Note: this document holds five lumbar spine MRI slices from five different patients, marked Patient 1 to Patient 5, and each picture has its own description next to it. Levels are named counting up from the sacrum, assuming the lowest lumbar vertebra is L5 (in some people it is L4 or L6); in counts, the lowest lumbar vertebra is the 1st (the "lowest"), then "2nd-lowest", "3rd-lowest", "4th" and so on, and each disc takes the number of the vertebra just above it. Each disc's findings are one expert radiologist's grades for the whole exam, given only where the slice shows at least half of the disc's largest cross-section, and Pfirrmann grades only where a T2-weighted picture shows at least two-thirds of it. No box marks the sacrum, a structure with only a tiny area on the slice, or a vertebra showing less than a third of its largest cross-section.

Patient 1 of 5:
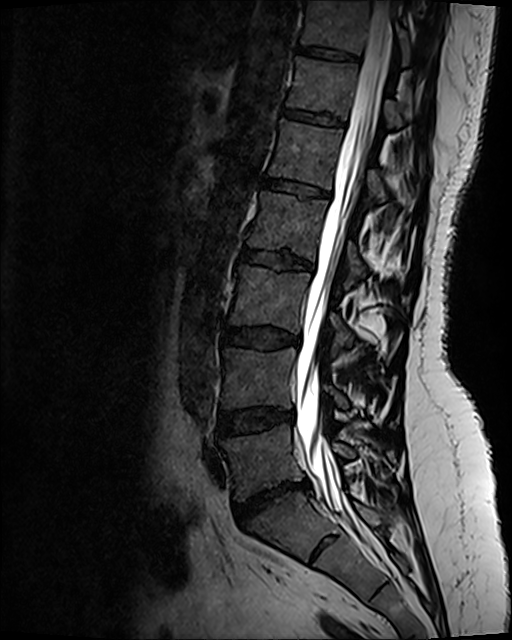
T2 SPACE (3D) sagittal MRI of the lumbar spine

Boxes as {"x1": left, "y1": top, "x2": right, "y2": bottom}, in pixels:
thecal sac / spinal canal: {"x1": 296, "y1": 1, "x2": 393, "y2": 547}
2nd-lowest vertebra: {"x1": 223, "y1": 349, "x2": 347, "y2": 408}
4th vertebra: {"x1": 246, "y1": 193, "x2": 365, "y2": 288}
3rd-lowest disc: {"x1": 223, "y1": 329, "x2": 299, "y2": 349}
2nd-lowest disc: {"x1": 218, "y1": 410, "x2": 292, "y2": 437}
7th disc: {"x1": 300, "y1": 49, "x2": 357, "y2": 62}
3rd-lowest vertebra: {"x1": 229, "y1": 266, "x2": 353, "y2": 351}
7th vertebra: {"x1": 302, "y1": 1, "x2": 410, "y2": 65}
5th disc: {"x1": 263, "y1": 179, "x2": 327, "y2": 197}
lowest disc: {"x1": 235, "y1": 484, "x2": 309, "y2": 526}
lowest vertebra: {"x1": 223, "y1": 425, "x2": 380, "y2": 500}
4th disc: {"x1": 240, "y1": 250, "x2": 314, "y2": 270}
6th vertebra: {"x1": 287, "y1": 58, "x2": 403, "y2": 126}
6th disc: {"x1": 283, "y1": 111, "x2": 344, "y2": 128}
5th vertebra: {"x1": 269, "y1": 120, "x2": 419, "y2": 205}

Degenerative findings by level:
• lowest disc: Pfirrmann grade 1, disc bulging, disc herniation, disc narrowing
• 6th disc: Pfirrmann grade 2, upper-endplate change, lower-endplate change
• 7th disc: Pfirrmann grade 2
• 2nd-lowest disc: Pfirrmann grade 2, disc bulging
• 3rd-lowest disc: Pfirrmann grade 2, disc bulging
• 4th disc: Pfirrmann grade 4, disc bulging, lower-endplate change, upper-endplate change
• 5th disc: Pfirrmann grade 2, lower-endplate change, upper-endplate change

Patient 2 of 5:
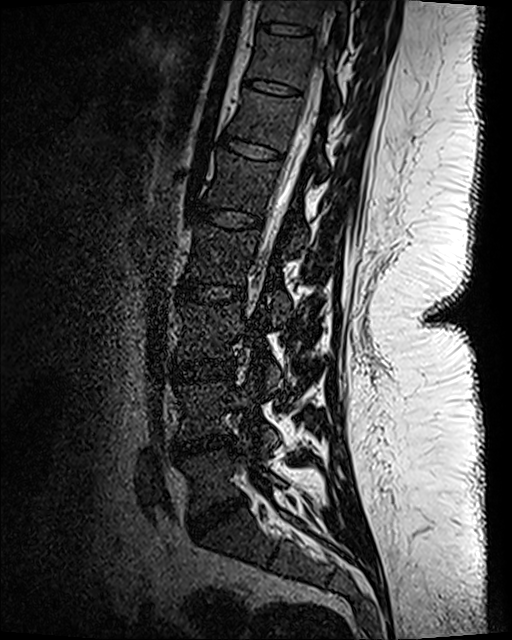

Slice 69 of 120; Patient sex: F; Lumbar spine MR, T2 SPACE (3D), sagittal; Image 512x640
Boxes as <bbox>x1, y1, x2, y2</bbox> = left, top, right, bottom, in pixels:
L1/L2: <bbox>189, 205, 261, 229</bbox> | T10/T11: <bbox>263, 23, 310, 36</bbox> | L5: <bbox>182, 439, 283, 512</bbox> | T11: <bbox>248, 33, 339, 106</bbox> | L4/L5: <bbox>178, 435, 233, 457</bbox> | IVD T11/T12: <bbox>243, 79, 302, 96</bbox> | L3: <bbox>178, 304, 280, 388</bbox> | L4 vertebra: <bbox>179, 375, 277, 455</bbox> | T12/L1: <bbox>218, 130, 284, 159</bbox> | IVD L3/L4: <bbox>173, 359, 233, 381</bbox> | T10: <bbox>261, 0, 348, 39</bbox> | T12: <bbox>229, 89, 328, 175</bbox> | L1: <bbox>205, 152, 308, 252</bbox> | L5/S1: <bbox>188, 497, 246, 536</bbox> | L2 vertebra: <bbox>186, 223, 289, 323</bbox> | spinal canal: <bbox>276, 19, 328, 205</bbox> | IVD L2/L3: <bbox>176, 280, 246, 305</bbox>

Radiological gradings:
  T11/T12: Pfirrmann grade 1
  L1/L2: Pfirrmann grade 1
  T12/L1: Pfirrmann grade 1
  T10/T11: Pfirrmann grade 1
  L5/S1: Pfirrmann grade 4, disc bulging, disc narrowing
  L2/L3: Pfirrmann grade 1
  L3/L4: no herniation, bulging, narrowing, spondylolisthesis, endplate or Modic change recorded

Patient 3 of 5:
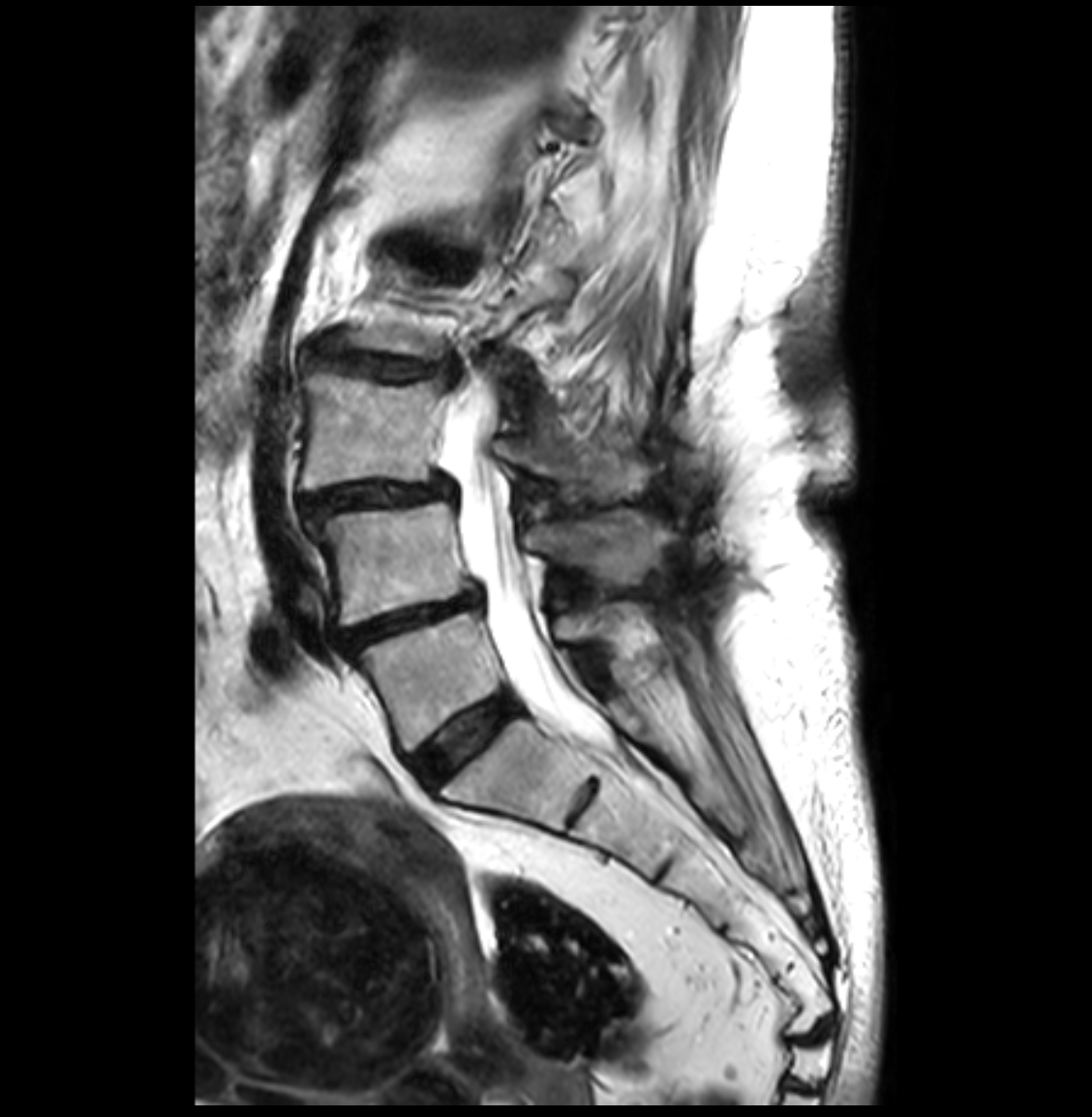 Slice 15/33. MRI lumbar spine (T2-weighted), sagittal plane. 1092x1117 px.

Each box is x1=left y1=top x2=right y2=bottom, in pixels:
Structures:
* disc L3/L4: x1=302 y1=478 x2=450 y2=517
* L5/S1: x1=409 y1=694 x2=516 y2=787
* spinal canal: x1=439 y1=390 x2=609 y2=747
* L4 vertebra: x1=310 y1=503 x2=670 y2=625
* L4/L5: x1=339 y1=592 x2=479 y2=650
* L3: x1=300 y1=366 x2=650 y2=500
* disc L2/L3: x1=310 y1=335 x2=457 y2=379
* L5: x1=353 y1=602 x2=652 y2=751

Degenerative findings by level:
  L2/L3: Pfirrmann grade 4, disc narrowing, disc bulging, upper-endplate change, lower-endplate change
  L5/S1: Pfirrmann grade 2
  L3/L4: Pfirrmann grade 4, disc narrowing, spondylolisthesis, disc bulging
  L4/L5: Pfirrmann grade 4, disc bulging, disc narrowing

Patient 4 of 5:
T2-weighted sagittal MRI of the lumbar spine; Slice 13 of 15

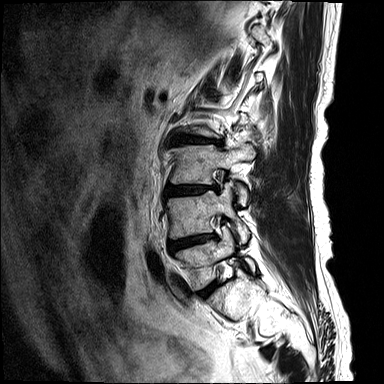
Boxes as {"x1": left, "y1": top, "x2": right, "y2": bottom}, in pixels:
Segmented structures:
- 4th disc: {"x1": 175, "y1": 136, "x2": 222, "y2": 146}
- lowest vertebra: {"x1": 173, "y1": 227, "x2": 255, "y2": 290}
- 2nd-lowest vertebra: {"x1": 166, "y1": 183, "x2": 250, "y2": 243}
- lowest disc: {"x1": 198, "y1": 281, "x2": 218, "y2": 297}
- 3rd-lowest vertebra: {"x1": 171, "y1": 145, "x2": 255, "y2": 205}
- 2nd-lowest disc: {"x1": 170, "y1": 233, "x2": 215, "y2": 250}
- 3rd-lowest disc: {"x1": 165, "y1": 184, "x2": 219, "y2": 196}

Radiological gradings:
- 4th disc: Pfirrmann grade 4, upper-endplate change, disc bulging, disc narrowing, Modic type II, lower-endplate change
- 3rd-lowest disc: Pfirrmann grade 4, Modic type II, disc bulging, disc herniation, upper-endplate change, disc narrowing, lower-endplate change
- 2nd-lowest disc: Pfirrmann grade 4, lower-endplate change, disc bulging, disc narrowing, Modic type I, upper-endplate change

Patient 5 of 5:
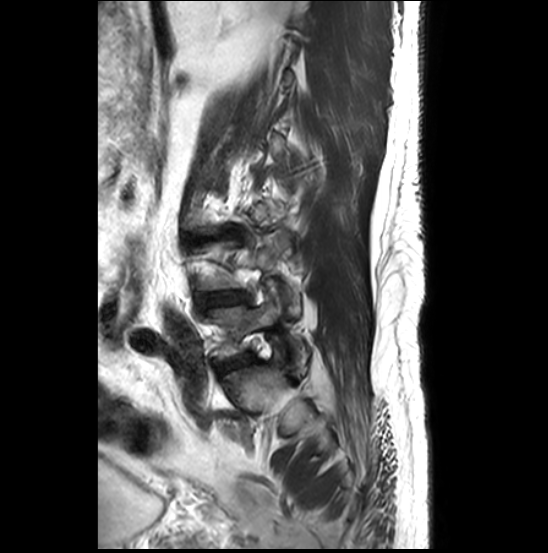 Slice 7/27, Sagittal T2-weighted lumbar spine MRI
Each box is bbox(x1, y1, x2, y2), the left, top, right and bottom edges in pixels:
L4/L5 at bbox(202, 291, 247, 306); disc L5/S1 at bbox(215, 353, 251, 374); disc L3/L4 at bbox(187, 228, 241, 246); L5 vertebra at bbox(211, 297, 309, 366).

Radiological gradings:
  L3/L4: spondylolisthesis, disc herniation, lower-endplate change, disc narrowing, upper-endplate change, Modic type II